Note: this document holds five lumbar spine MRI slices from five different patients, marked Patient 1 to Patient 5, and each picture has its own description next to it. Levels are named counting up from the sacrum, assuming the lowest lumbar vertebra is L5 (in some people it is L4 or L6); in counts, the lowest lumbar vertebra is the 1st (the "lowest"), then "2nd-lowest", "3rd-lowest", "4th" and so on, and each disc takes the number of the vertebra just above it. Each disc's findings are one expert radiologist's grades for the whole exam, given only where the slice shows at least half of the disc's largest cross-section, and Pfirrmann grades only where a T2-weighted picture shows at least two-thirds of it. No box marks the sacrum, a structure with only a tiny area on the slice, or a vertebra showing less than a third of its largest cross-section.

Patient 1 of 5:
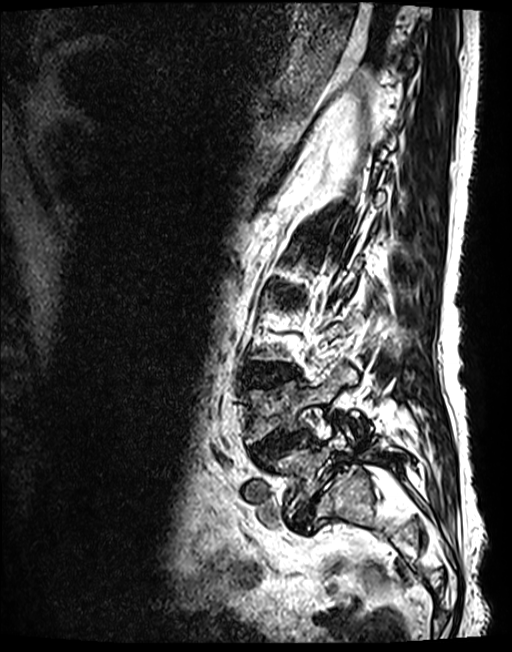 Slice 98/143, 512x652 px, T2 SPACE (3D) sagittal MRI of the lumbar spine
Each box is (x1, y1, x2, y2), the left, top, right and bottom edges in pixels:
Lowest vertebra: (272, 429, 412, 519).
2nd-lowest vertebra: (247, 368, 357, 443).
2nd-lowest disc: (252, 431, 311, 461).
3rd-lowest disc: (246, 365, 295, 387).
Lowest disc: (292, 476, 332, 531).

Degenerative findings by level:
- 3rd-lowest disc: lower-endplate change, disc bulging, upper-endplate change
- lowest disc: Modic type II, disc herniation, disc narrowing, spondylolisthesis
- 2nd-lowest disc: disc herniation, disc narrowing, upper-endplate change, spondylolisthesis, lower-endplate change

Patient 2 of 5:
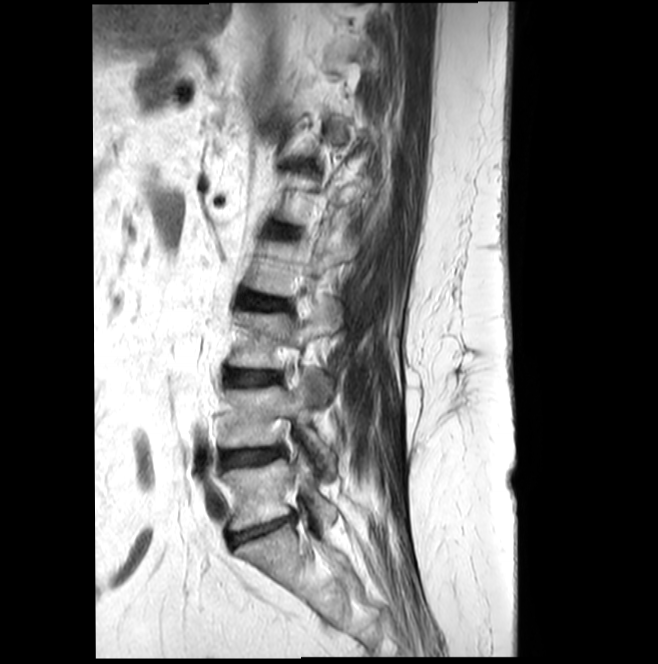 Lumbar spine MR, T2-weighted, sagittal

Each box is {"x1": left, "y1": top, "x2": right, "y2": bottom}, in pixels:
{"lowest vertebra": {"x1": 223, "y1": 453, "x2": 337, "y2": 530}, "5th disc": {"x1": 271, "y1": 224, "x2": 295, "y2": 235}, "lowest disc": {"x1": 230, "y1": 516, "x2": 292, "y2": 545}, "4th vertebra": {"x1": 245, "y1": 233, "x2": 358, "y2": 296}, "3rd-lowest vertebra": {"x1": 229, "y1": 299, "x2": 341, "y2": 393}, "2nd-lowest vertebra": {"x1": 220, "y1": 372, "x2": 335, "y2": 473}, "4th disc": {"x1": 241, "y1": 294, "x2": 286, "y2": 310}, "2nd-lowest disc": {"x1": 220, "y1": 447, "x2": 283, "y2": 467}, "3rd-lowest disc": {"x1": 226, "y1": 372, "x2": 279, "y2": 384}}

Expert MSK radiologist gradings (per disc):
• 3rd-lowest disc: Modic type II
• 2nd-lowest disc: Pfirrmann grade 3, disc narrowing

Patient 3 of 5:
Slice 13 of 25; Scanner: Philips Healthcare Ingenia (3T); T1-weighted sagittal MRI of the lumbar spine; Patient sex: F 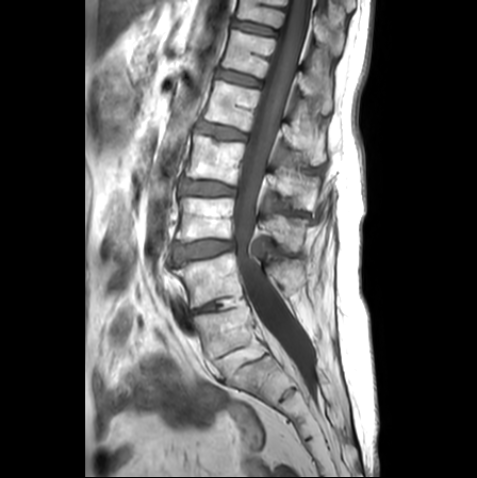

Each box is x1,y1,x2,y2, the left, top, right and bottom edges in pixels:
Structures:
* 2nd-lowest disc: 193,301,222,313
* thecal sac / spinal canal: 234,0,316,395
* 7th disc: 234,20,275,35
* lowest vertebra: 193,303,267,362
* 6th vertebra: 221,30,332,113
* 3rd-lowest vertebra: 177,197,304,250
* 3rd-lowest disc: 174,240,234,262
* 6th disc: 217,70,261,85
* 5th vertebra: 203,80,325,165
* lowest disc: 217,348,247,375
* 2nd-lowest vertebra: 172,253,307,307
* 7th vertebra: 237,0,344,54
* 4th vertebra: 185,133,317,209
* 5th disc: 198,123,246,139
* 4th disc: 181,179,234,195

Per-level radiological findings:
• 2nd-lowest disc: disc narrowing
• 3rd-lowest disc: upper-endplate change, disc bulging, Modic type II, lower-endplate change
• 5th disc: lower-endplate change, upper-endplate change
• 4th disc: disc bulging, upper-endplate change, lower-endplate change
• 7th disc, lowest disc, 6th disc: no Modic or endplate change, herniation, narrowing, bulging or spondylolisthesis recorded

Patient 4 of 5:
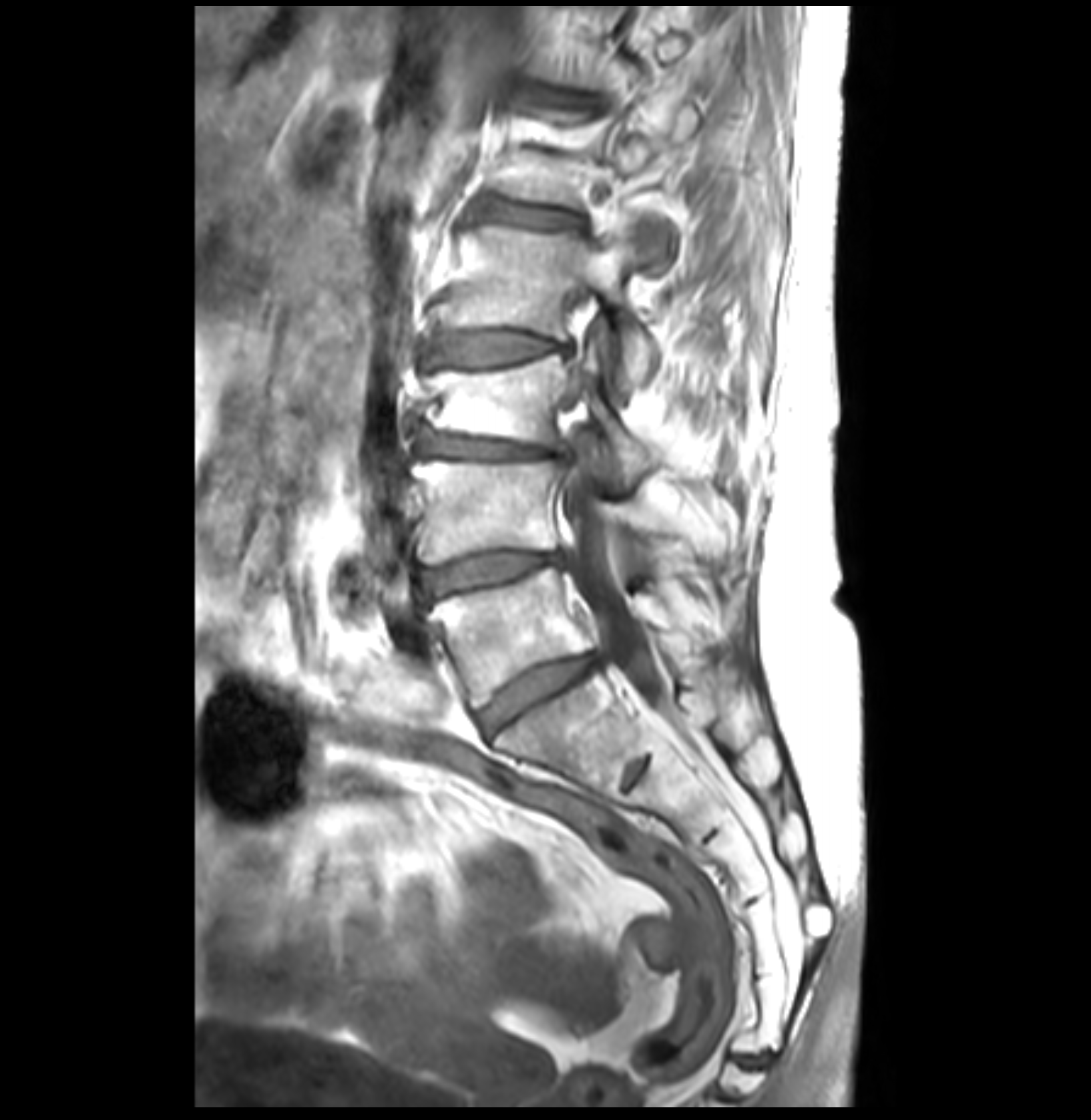 Sagittal T1-weighted lumbar spine MRI; Patient sex: F; 1091x1120 px; Slice 16 of 35

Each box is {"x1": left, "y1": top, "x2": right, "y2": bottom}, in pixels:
4th vertebra at {"x1": 443, "y1": 214, "x2": 657, "y2": 389}, lowest vertebra at {"x1": 426, "y1": 568, "x2": 735, "y2": 708}, 2nd-lowest disc at {"x1": 419, "y1": 551, "x2": 562, "y2": 603}, 5th disc at {"x1": 475, "y1": 196, "x2": 586, "y2": 229}, 4th disc at {"x1": 433, "y1": 331, "x2": 574, "y2": 365}, lowest disc at {"x1": 480, "y1": 655, "x2": 596, "y2": 731}, 3rd-lowest vertebra at {"x1": 426, "y1": 343, "x2": 657, "y2": 475}, 6th disc at {"x1": 533, "y1": 87, "x2": 606, "y2": 108}, 2nd-lowest vertebra at {"x1": 414, "y1": 460, "x2": 722, "y2": 562}, thecal sac / spinal canal at {"x1": 563, "y1": 466, "x2": 662, "y2": 706}, 3rd-lowest disc at {"x1": 419, "y1": 432, "x2": 564, "y2": 457}.

Degenerative findings by level:
- 5th disc: upper-endplate change, lower-endplate change
- lowest disc: disc bulging
- 3rd-lowest disc: disc narrowing, disc bulging, Modic type II, upper-endplate change
- 4th disc: Modic type II, disc bulging
- 2nd-lowest disc: disc bulging, disc narrowing, Modic type II

Patient 5 of 5:
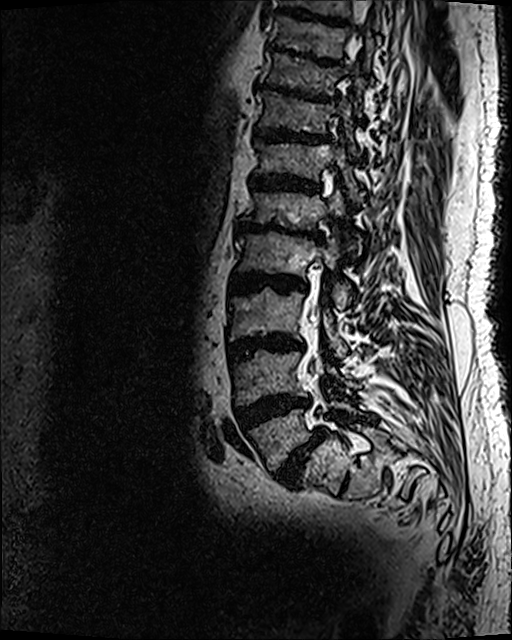 Slice spacing 0.9 mm. Sagittal T2 SPACE (3D) lumbar spine MRI.
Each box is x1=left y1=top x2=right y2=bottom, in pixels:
IVD T9/T10 at x1=265 y1=44 x2=340 y2=66.
L2 vertebra at x1=234 y1=227 x2=354 y2=310.
L3 vertebra at x1=230 y1=288 x2=347 y2=356.
L5 at x1=246 y1=398 x2=377 y2=470.
T12/L1 at x1=249 y1=174 x2=320 y2=194.
L3/L4 at x1=228 y1=334 x2=303 y2=359.
L4/L5 at x1=234 y1=394 x2=313 y2=431.
T10 at x1=260 y1=50 x2=365 y2=117.
T11/T12 at x1=254 y1=127 x2=331 y2=145.
L4 vertebra at x1=232 y1=350 x2=360 y2=405.
L1 at x1=241 y1=178 x2=357 y2=258.
IVD L5/S1 at x1=275 y1=427 x2=326 y2=487.
T10/T11 at x1=256 y1=83 x2=336 y2=102.
T12 at x1=254 y1=131 x2=362 y2=206.
Thecal sac / spinal canal at x1=311 y1=0 x2=366 y2=372.
IVD L2/L3 at x1=229 y1=272 x2=306 y2=293.
T11 at x1=256 y1=91 x2=357 y2=155.
L1/L2 at x1=235 y1=220 x2=324 y2=241.

Radiological gradings:
- L5/S1: Pfirrmann grade 5, spondylolisthesis, Modic type II, disc bulging, lower-endplate change, disc narrowing, upper-endplate change
- T11/T12: Pfirrmann grade 5, disc narrowing, upper-endplate change, Modic type II, disc bulging, lower-endplate change
- L4/L5: Pfirrmann grade 5, disc narrowing, Modic type II, lower-endplate change, disc bulging, upper-endplate change
- T12/L1: Pfirrmann grade 5, disc bulging, upper-endplate change, disc narrowing, Modic type II, lower-endplate change
- L3/L4: Pfirrmann grade 5, lower-endplate change, disc narrowing, Modic type II, upper-endplate change, disc bulging
- L1/L2: upper-endplate change, disc narrowing, disc bulging, Modic type II, lower-endplate change
- L2/L3: Pfirrmann grade 5, disc bulging, lower-endplate change, Modic type II, upper-endplate change, disc narrowing